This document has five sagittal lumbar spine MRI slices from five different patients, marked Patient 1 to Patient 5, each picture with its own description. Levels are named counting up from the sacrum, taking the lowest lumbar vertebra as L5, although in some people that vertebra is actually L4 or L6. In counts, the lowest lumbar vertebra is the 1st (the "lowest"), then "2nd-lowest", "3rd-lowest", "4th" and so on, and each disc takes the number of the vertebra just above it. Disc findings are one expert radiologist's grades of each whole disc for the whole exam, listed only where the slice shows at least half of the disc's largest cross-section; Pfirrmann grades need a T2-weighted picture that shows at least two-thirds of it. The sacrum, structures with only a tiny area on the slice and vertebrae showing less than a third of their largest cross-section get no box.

Patient 1 of 5:
Sex F. MRI lumbar spine (T2-weighted), sagittal plane.
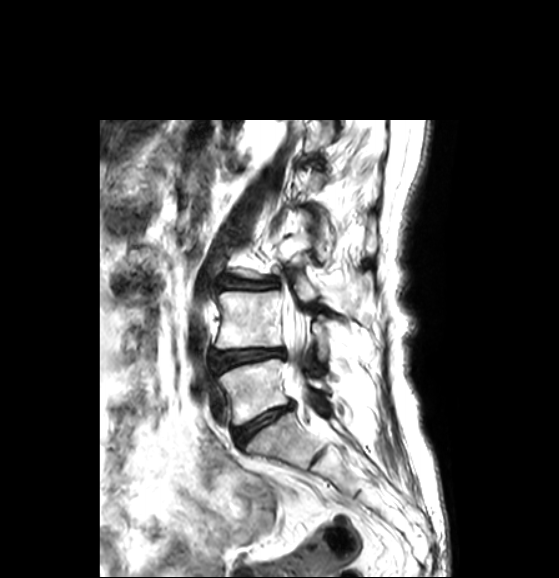
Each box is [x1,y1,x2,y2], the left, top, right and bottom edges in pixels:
Segmented structures:
• 2nd-lowest vertebra: [216,290,327,359]
• 2nd-lowest disc: [213,349,284,370]
• lowest disc: [235,404,291,443]
• 3rd-lowest vertebra: [236,217,372,314]
• thecal sac / spinal canal: [282,296,309,396]
• lowest vertebra: [218,359,327,425]
• 3rd-lowest disc: [222,278,274,288]

Degenerative findings by level:
- lowest disc: Pfirrmann grade 3, disc narrowing, disc bulging
- 3rd-lowest disc: disc narrowing, disc bulging
- 2nd-lowest disc: Pfirrmann grade 3, disc bulging

Patient 2 of 5:
T2 SPACE (3D) sagittal MRI of the lumbar spine 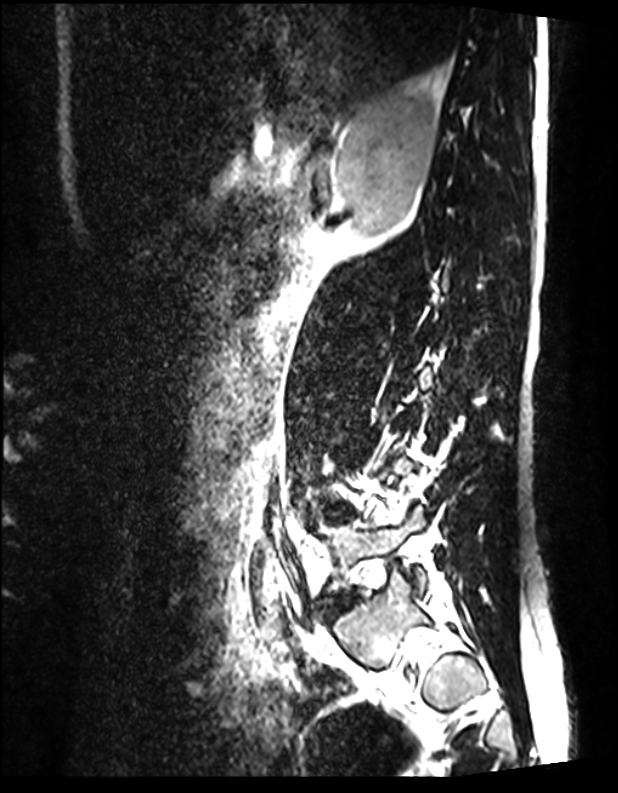

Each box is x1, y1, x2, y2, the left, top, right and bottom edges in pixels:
disc L4/L5 (2nd-lowest disc): 326, 508, 348, 520
L5/S1 (lowest disc): 324, 591, 360, 619
L5 (lowest vertebra): 317, 505, 425, 593

Patient 3 of 5:
Field of view 240x300 mm; Sex F; MRI lumbar spine (T2 SPACE (3D)), sagittal plane; SIEMENS Avanto_fit (1.5T)

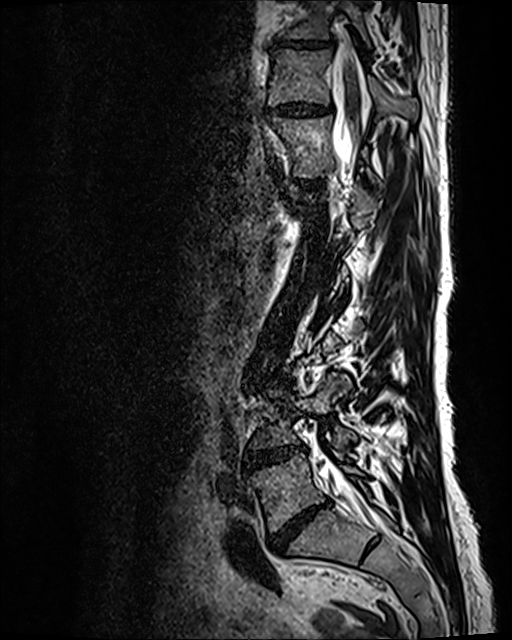
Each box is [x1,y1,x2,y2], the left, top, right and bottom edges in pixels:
Structures:
* lowest vertebra: [249,453,363,532]
* 6th vertebra: [269,116,374,181]
* 7th disc: [266,100,334,117]
* lowest disc: [269,502,327,552]
* 7th vertebra: [269,49,417,120]
* 2nd-lowest vertebra: [251,373,356,453]
* 6th disc: [299,181,321,187]
* spinal canal: [318,46,390,533]
* 8th disc: [273,39,333,48]
* 3rd-lowest disc: [257,375,291,381]
* 2nd-lowest disc: [244,447,305,471]
* 8th vertebra: [284,1,370,46]

Per-level radiological findings:
- 8th disc: Pfirrmann grade 3, disc narrowing, disc bulging
- 2nd-lowest disc: Pfirrmann grade 4, disc bulging, disc narrowing, Modic type II
- 7th disc: Pfirrmann grade 3, disc narrowing, disc bulging
- lowest disc: Pfirrmann grade 5, disc narrowing, upper-endplate change, Modic type II, lower-endplate change, disc bulging

Patient 4 of 5:
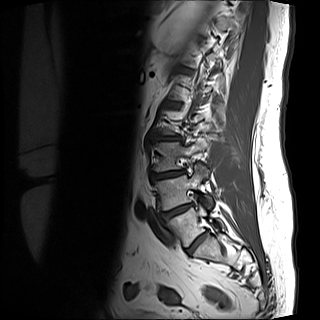 MRI lumbar spine (T1-weighted), sagittal plane | Sagittal slice index 11 | Image 320x320
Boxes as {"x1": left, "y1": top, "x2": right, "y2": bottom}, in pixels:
* lowest vertebra: {"x1": 166, "y1": 204, "x2": 226, "y2": 247}
* 2nd-lowest disc: {"x1": 161, "y1": 203, "x2": 193, "y2": 220}
* lowest disc: {"x1": 185, "y1": 232, "x2": 207, "y2": 255}
* 3rd-lowest disc: {"x1": 151, "y1": 170, "x2": 184, "y2": 181}
* 3rd-lowest vertebra: {"x1": 154, "y1": 141, "x2": 205, "y2": 172}
* 2nd-lowest vertebra: {"x1": 153, "y1": 162, "x2": 214, "y2": 210}
* 4th disc: {"x1": 156, "y1": 136, "x2": 181, "y2": 140}

Degenerative findings by level:
- 3rd-lowest disc: disc bulging, disc narrowing
- lowest disc: lower-endplate change
- 2nd-lowest disc: disc bulging, disc narrowing

Patient 5 of 5:
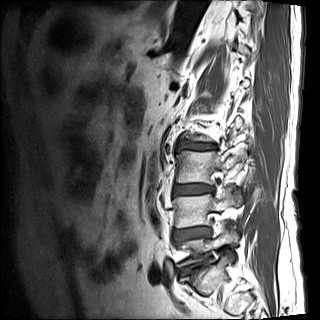 Sagittal slice index 11 | Sex M | Lumbar spine MR, T1-weighted, sagittal
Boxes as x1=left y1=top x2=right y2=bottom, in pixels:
2nd-lowest disc at x1=174 y1=227 x2=211 y2=240, 3rd-lowest vertebra at x1=176 y1=151 x2=246 y2=183, lowest vertebra at x1=177 y1=232 x2=237 y2=266, lowest disc at x1=180 y1=264 x2=203 y2=273, 4th disc at x1=178 y1=144 x2=213 y2=149, 2nd-lowest vertebra at x1=173 y1=184 x2=242 y2=227, 3rd-lowest disc at x1=173 y1=185 x2=213 y2=194.

Radiological gradings:
• 2nd-lowest disc: lower-endplate change, upper-endplate change, Modic type II, disc narrowing, disc bulging
• 4th disc: lower-endplate change, disc bulging, Modic type II, upper-endplate change, disc narrowing
• 3rd-lowest disc: Modic type II, upper-endplate change, lower-endplate change, disc bulging